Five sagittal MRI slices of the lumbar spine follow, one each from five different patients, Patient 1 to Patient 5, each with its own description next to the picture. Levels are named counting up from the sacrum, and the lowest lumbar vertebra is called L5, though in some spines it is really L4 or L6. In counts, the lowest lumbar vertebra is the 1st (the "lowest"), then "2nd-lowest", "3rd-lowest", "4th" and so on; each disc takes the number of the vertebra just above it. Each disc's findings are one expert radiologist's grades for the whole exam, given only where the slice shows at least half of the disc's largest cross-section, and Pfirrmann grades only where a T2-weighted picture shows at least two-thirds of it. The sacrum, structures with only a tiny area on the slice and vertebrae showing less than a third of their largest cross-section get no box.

Patient 1 of 5:
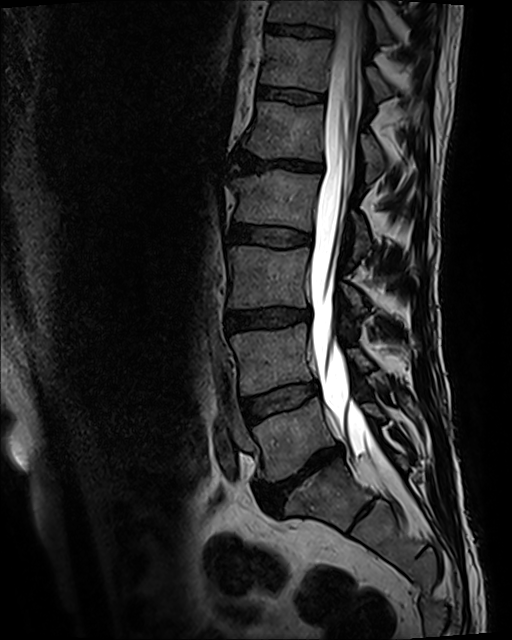 Lumbar spine MR, T2 SPACE (3D), sagittal

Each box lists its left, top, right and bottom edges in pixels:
{"IVD L1/L2": "left=237, top=150, right=322, bottom=172", "L2": "left=231, top=169, right=370, bottom=258", "L3 vertebra": "left=228, top=246, right=365, bottom=314", "IVD L4/L5": "left=242, top=382, right=318, bottom=421", "L5 vertebra": "left=253, top=397, right=382, bottom=481", "spinal canal": "left=309, top=0, right=393, bottom=475", "T12": "left=261, top=35, right=391, bottom=97", "L3/L4": "left=226, top=308, right=311, bottom=330", "L4 vertebra": "left=230, top=323, right=371, bottom=394", "IVD L5/S1": "left=257, top=444, right=343, bottom=510", "T11 vertebra": "left=268, top=0, right=387, bottom=41", "T11/T12": "left=266, top=25, right=330, bottom=35", "IVD T12/L1": "left=258, top=85, right=323, bottom=102", "L2/L3": "left=230, top=223, right=312, bottom=246", "L1 vertebra": "left=243, top=101, right=386, bottom=182"}

Radiological gradings:
- T11/T12: Pfirrmann grade 3, lower-endplate change, upper-endplate change
- L5/S1: Pfirrmann grade 5, Modic type II, lower-endplate change, disc narrowing, disc bulging, upper-endplate change
- L2/L3: Pfirrmann grade 3
- L3/L4: Pfirrmann grade 3, lower-endplate change, disc bulging, upper-endplate change
- L1/L2: Pfirrmann grade 5, lower-endplate change, upper-endplate change, disc bulging, disc narrowing, Modic type II
- L4/L5: Pfirrmann grade 3, Modic type II
- T12/L1: Pfirrmann grade 3

Patient 2 of 5:
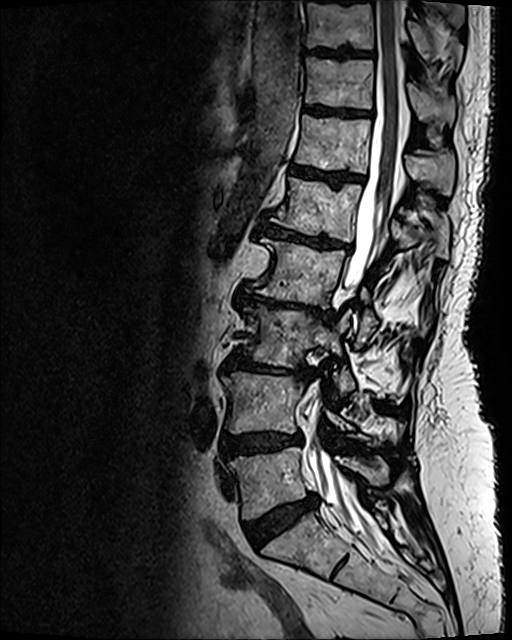 Slice 52/120, 512x640 px, Field of view 240x300 mm, slice spacing 0.9 mm, Sagittal T2 SPACE (3D) lumbar spine MRI
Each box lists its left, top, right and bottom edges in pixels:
5th disc = left=261, top=223, right=349, bottom=249 | 2nd-lowest vertebra = left=222, top=372, right=402, bottom=434 | 3rd-lowest disc = left=225, top=353, right=306, bottom=377 | 6th vertebra = left=295, top=115, right=454, bottom=195 | 4th vertebra = left=258, top=238, right=424, bottom=345 | 8th disc = left=307, top=48, right=371, bottom=56 | 8th vertebra = left=306, top=0, right=461, bottom=63 | 7th vertebra = left=305, top=58, right=454, bottom=126 | thecal sac / spinal canal = left=307, top=0, right=399, bottom=550 | 3rd-lowest vertebra = left=243, top=306, right=354, bottom=395 | 2nd-lowest disc = left=222, top=433, right=301, bottom=458 | lowest vertebra = left=229, top=447, right=388, bottom=519 | 5th vertebra = left=272, top=177, right=449, bottom=258 | lowest disc = left=245, top=495, right=316, bottom=546 | 4th disc = left=235, top=289, right=332, bottom=322 | 7th disc = left=305, top=106, right=370, bottom=116 | 6th disc = left=291, top=168, right=363, bottom=185

Per-level radiological findings:
• 4th disc: Pfirrmann grade 5, disc bulging, upper-endplate change, Modic type II, disc narrowing, lower-endplate change
• lowest disc: Pfirrmann grade 4, disc bulging
• 5th disc: Pfirrmann grade 5, Modic type II, disc bulging, lower-endplate change, disc narrowing, upper-endplate change
• 6th disc: Pfirrmann grade 4, lower-endplate change, Modic type II, upper-endplate change
• 3rd-lowest disc: disc narrowing, lower-endplate change, disc bulging, Modic type II, upper-endplate change
• 7th disc: Pfirrmann grade 4, lower-endplate change, upper-endplate change
• 8th disc: Pfirrmann grade 4, upper-endplate change, lower-endplate change
• 2nd-lowest disc: Pfirrmann grade 4, upper-endplate change, disc bulging, lower-endplate change

Patient 3 of 5:
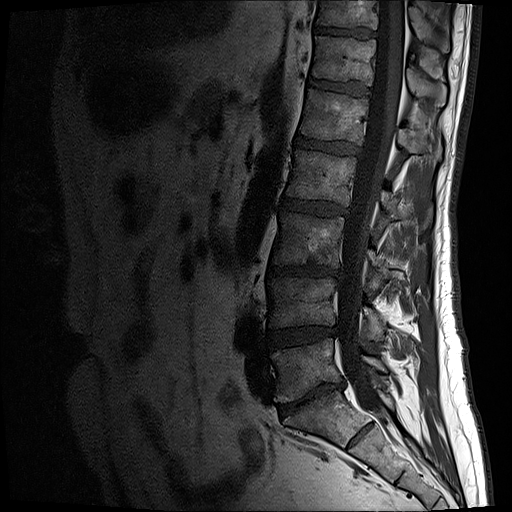
Lumbar spine MR, T1-weighted, sagittal | 512x512 px
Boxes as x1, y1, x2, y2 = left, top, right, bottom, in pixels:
Lowest vertebra = 271, 339, 387, 403.
2nd-lowest vertebra = 268, 278, 385, 339.
3rd-lowest vertebra = 274, 213, 391, 285.
Lowest disc = 278, 381, 345, 416.
6th vertebra = 310, 36, 446, 108.
6th disc = 309, 78, 370, 95.
5th disc = 294, 136, 358, 155.
3rd-lowest disc = 270, 264, 340, 277.
2nd-lowest disc = 269, 326, 337, 348.
4th disc = 282, 199, 345, 216.
7th vertebra = 316, 0, 451, 53.
5th vertebra = 300, 89, 441, 163.
Spinal canal = 338, 1, 405, 422.
7th disc = 314, 26, 375, 40.
4th vertebra = 286, 150, 431, 234.

Expert MSK radiologist gradings (per disc):
  4th disc: disc bulging
  2nd-lowest disc: disc narrowing, disc bulging
  3rd-lowest disc: lower-endplate change, disc narrowing, disc bulging
  lowest disc: Modic type II, disc narrowing, disc bulging
  6th disc, 7th disc, 5th disc: no herniation, bulging, narrowing, spondylolisthesis, endplate or Modic change recorded

Patient 4 of 5:
T2 SPACE (3D) sagittal MRI of the lumbar spine

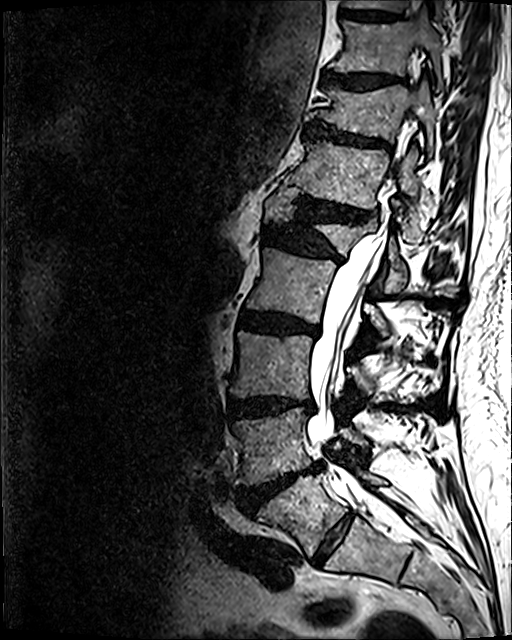 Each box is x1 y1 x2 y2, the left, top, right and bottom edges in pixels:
9th disc: 340 10 396 20 | 7th vertebra: 306 82 435 155 | 6th vertebra: 287 139 427 241 | 4th vertebra: 246 247 416 335 | 4th disc: 239 311 318 334 | thecal sac / spinal canal: 308 116 416 507 | 2nd-lowest vertebra: 232 408 366 485 | 5th vertebra: 264 186 450 294 | lowest vertebra: 262 472 385 556 | 6th disc: 296 197 370 221 | 8th disc: 322 72 400 89 | 8th vertebra: 331 14 443 88 | 2nd-lowest disc: 241 463 322 512 | 7th disc: 306 123 387 147 | 3rd-lowest disc: 230 396 313 418 | lowest disc: 312 512 354 564 | 5th disc: 264 225 342 261 | 3rd-lowest vertebra: 230 332 378 407

Per-level radiological findings:
- 4th disc: Pfirrmann grade 4, lower-endplate change, disc narrowing, disc bulging, upper-endplate change, Modic type II
- 8th disc: Pfirrmann grade 4, lower-endplate change, disc bulging, upper-endplate change
- 7th disc: Pfirrmann grade 4, upper-endplate change, disc narrowing, disc bulging, lower-endplate change
- 6th disc: Pfirrmann grade 4, upper-endplate change, lower-endplate change, disc bulging, disc narrowing
- lowest disc: Pfirrmann grade 2
- 9th disc: Pfirrmann grade 3, lower-endplate change
- 5th disc: Pfirrmann grade 4, disc narrowing, disc bulging, upper-endplate change, lower-endplate change
- 3rd-lowest disc: Pfirrmann grade 4, upper-endplate change, lower-endplate change, disc bulging, disc narrowing
- 2nd-lowest disc: Pfirrmann grade 5, upper-endplate change, disc herniation, Modic type II, lower-endplate change, disc narrowing, disc bulging

Patient 5 of 5:
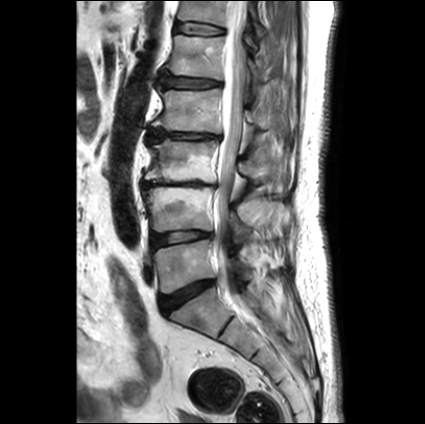 Image 425x424; Sagittal T2-weighted lumbar spine MRI
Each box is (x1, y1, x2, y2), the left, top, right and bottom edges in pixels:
5th vertebra at (167, 35, 265, 82), 2nd-lowest disc at (150, 231, 210, 248), 4th vertebra at (152, 88, 268, 133), 3rd-lowest vertebra at (145, 139, 268, 182), 2nd-lowest vertebra at (143, 187, 255, 241), lowest disc at (160, 280, 214, 314), spinal canal at (213, 1, 246, 301), 4th disc at (147, 130, 220, 140), lowest vertebra at (153, 240, 252, 293), 6th vertebra at (178, 1, 266, 37), 6th disc at (176, 23, 223, 34), 5th disc at (159, 70, 220, 88), 3rd-lowest disc at (142, 181, 216, 189).

Radiological gradings:
• 3rd-lowest disc: Modic type II, disc bulging, upper-endplate change, disc narrowing, lower-endplate change
• 6th disc: Pfirrmann grade 2
• 4th disc: Pfirrmann grade 1, disc bulging, lower-endplate change, disc narrowing, upper-endplate change
• lowest disc: Pfirrmann grade 1, disc bulging
• 2nd-lowest disc: Pfirrmann grade 2, disc bulging
• 5th disc: Pfirrmann grade 4, lower-endplate change, upper-endplate change, disc bulging